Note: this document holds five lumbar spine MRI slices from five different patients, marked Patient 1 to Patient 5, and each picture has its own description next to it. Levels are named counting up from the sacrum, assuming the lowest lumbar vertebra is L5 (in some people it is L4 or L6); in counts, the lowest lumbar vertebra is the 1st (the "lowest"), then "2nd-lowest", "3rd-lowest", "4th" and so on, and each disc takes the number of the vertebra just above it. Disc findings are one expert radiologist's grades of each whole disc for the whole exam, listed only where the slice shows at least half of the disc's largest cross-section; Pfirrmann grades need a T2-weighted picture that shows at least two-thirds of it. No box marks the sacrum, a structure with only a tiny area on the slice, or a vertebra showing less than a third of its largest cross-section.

Patient 1 of 5:
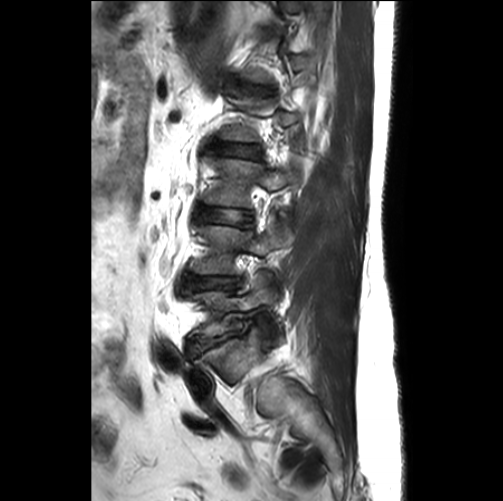
Sagittal T2-weighted lumbar spine MRI, Patient sex: M, Sagittal slice index 19, Image 503x501
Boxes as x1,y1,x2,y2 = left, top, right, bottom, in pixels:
L3 (3rd-lowest vertebra) = 204,157,297,207.
L5 (lowest vertebra) = 190,272,284,344.
L2/L3 (4th disc) = 211,142,261,157.
Intervertebral disc L3/L4 (3rd-lowest disc) = 200,207,252,224.
L4/L5 (2nd-lowest disc) = 184,275,242,294.
L4 (2nd-lowest vertebra) = 194,226,293,273.
L5/S1 (lowest disc) = 187,333,234,358.

Degenerative findings by level:
• L4/L5 (2nd-lowest disc): Modic type II, disc narrowing, upper-endplate change, lower-endplate change, disc bulging
• L3/L4 (3rd-lowest disc): Pfirrmann grade 2
• L2/L3 (4th disc): no herniation, bulging, narrowing, spondylolisthesis, endplate or Modic change recorded

Patient 2 of 5:
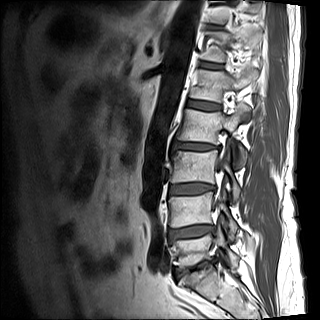
Sex M; Sagittal T1-weighted lumbar spine MRI

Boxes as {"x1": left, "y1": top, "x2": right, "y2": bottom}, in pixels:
Thecal sac / spinal canal at {"x1": 215, "y1": 153, "x2": 224, "y2": 211}.
L1/L2 at {"x1": 187, "y1": 101, "x2": 221, "y2": 110}.
L2/L3 at {"x1": 173, "y1": 142, "x2": 219, "y2": 150}.
L4/L5 at {"x1": 169, "y1": 225, "x2": 214, "y2": 239}.
L5 vertebra at {"x1": 172, "y1": 223, "x2": 238, "y2": 267}.
T12/L1 at {"x1": 200, "y1": 62, "x2": 222, "y2": 68}.
L1 vertebra at {"x1": 190, "y1": 67, "x2": 258, "y2": 102}.
L3 at {"x1": 171, "y1": 142, "x2": 240, "y2": 199}.
L2 at {"x1": 176, "y1": 104, "x2": 249, "y2": 169}.
L4 vertebra at {"x1": 169, "y1": 192, "x2": 237, "y2": 239}.
Disc L5/S1 at {"x1": 174, "y1": 260, "x2": 213, "y2": 278}.
T11/T12 at {"x1": 207, "y1": 25, "x2": 222, "y2": 29}.
Disc L3/L4 at {"x1": 169, "y1": 184, "x2": 215, "y2": 194}.
T12 vertebra at {"x1": 201, "y1": 28, "x2": 260, "y2": 62}.

Radiological gradings:
- L5/S1: disc bulging, Modic type II, upper-endplate change, disc narrowing, lower-endplate change
- L3/L4: lower-endplate change, disc bulging, upper-endplate change, Modic type II
- L4/L5: disc narrowing, upper-endplate change, disc bulging, Modic type II, lower-endplate change
- L2/L3: Modic type II, upper-endplate change, lower-endplate change, disc bulging, disc narrowing
- L1/L2: no Modic or endplate change, herniation, narrowing, bulging or spondylolisthesis recorded

Patient 3 of 5:
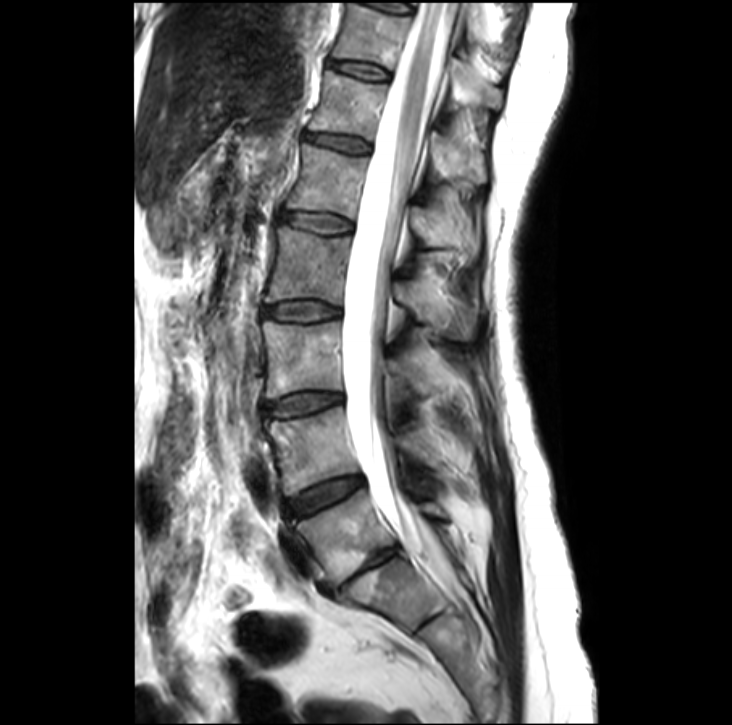 Patient sex: F. Sagittal slice index 16. Slice spacing 3.3 mm. Lumbar spine MR, T2-weighted, sagittal.

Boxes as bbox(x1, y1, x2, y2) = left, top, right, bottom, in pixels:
3rd-lowest vertebra at bbox(262, 322, 445, 398); 3rd-lowest disc at bbox(266, 393, 340, 416); lowest disc at bbox(335, 547, 396, 595); 4th vertebra at bbox(265, 227, 475, 340); 4th disc at bbox(262, 301, 337, 321); spinal canal at bbox(341, 0, 456, 574); 7th disc at bbox(329, 60, 387, 79); 2nd-lowest vertebra at bbox(266, 406, 441, 496); 5th vertebra at bbox(286, 143, 480, 256); 2nd-lowest disc at bbox(284, 477, 362, 515); 5th disc at bbox(279, 212, 351, 233); lowest vertebra at bbox(293, 490, 447, 585); 6th vertebra at bbox(309, 69, 486, 180); 6th disc at bbox(304, 133, 368, 153); 7th vertebra at bbox(334, 3, 503, 109).

Radiological gradings:
- 5th disc: Pfirrmann grade 2
- 4th disc: Pfirrmann grade 2
- 7th disc: Pfirrmann grade 2
- 6th disc: Pfirrmann grade 3
- 3rd-lowest disc: Pfirrmann grade 2, disc bulging
- lowest disc: Pfirrmann grade 5, lower-endplate change, disc bulging, upper-endplate change, Modic type II, disc narrowing
- 2nd-lowest disc: Pfirrmann grade 3, disc bulging

Patient 4 of 5:
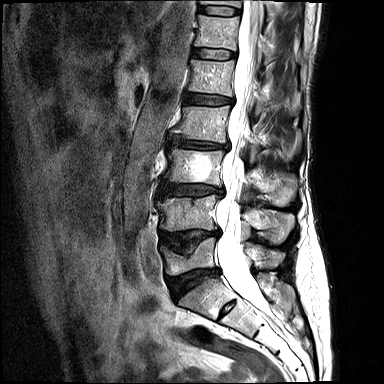
MRI lumbar spine (T2-weighted), sagittal plane. 384x384 px.
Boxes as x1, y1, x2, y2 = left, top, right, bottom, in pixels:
Structures:
• 3rd-lowest vertebra: 164, 148, 297, 206
• 7th disc: 198, 5, 241, 16
• 2nd-lowest vertebra: 156, 195, 293, 239
• spinal canal: 215, 0, 265, 311
• 4th vertebra: 172, 105, 298, 150
• 5th disc: 184, 92, 233, 104
• lowest vertebra: 160, 237, 284, 275
• 2nd-lowest disc: 160, 230, 219, 253
• 6th disc: 192, 48, 236, 59
• 3rd-lowest disc: 158, 183, 223, 196
• lowest disc: 166, 268, 219, 298
• 7th vertebra: 199, 0, 275, 15
• 5th vertebra: 188, 59, 300, 114
• 4th disc: 170, 137, 228, 149
• 6th vertebra: 194, 15, 273, 62

Radiological gradings:
- 2nd-lowest disc: Pfirrmann grade 4, lower-endplate change, upper-endplate change, disc bulging
- 7th disc: Pfirrmann grade 2
- 3rd-lowest disc: Pfirrmann grade 3, upper-endplate change, lower-endplate change, disc bulging
- 5th disc: Pfirrmann grade 3, disc bulging, lower-endplate change, upper-endplate change
- 4th disc: Pfirrmann grade 3, disc bulging, lower-endplate change, upper-endplate change, disc narrowing
- lowest disc: Pfirrmann grade 4, upper-endplate change, disc bulging, lower-endplate change, disc narrowing
- 6th disc: Pfirrmann grade 2, lower-endplate change, upper-endplate change

Patient 5 of 5:
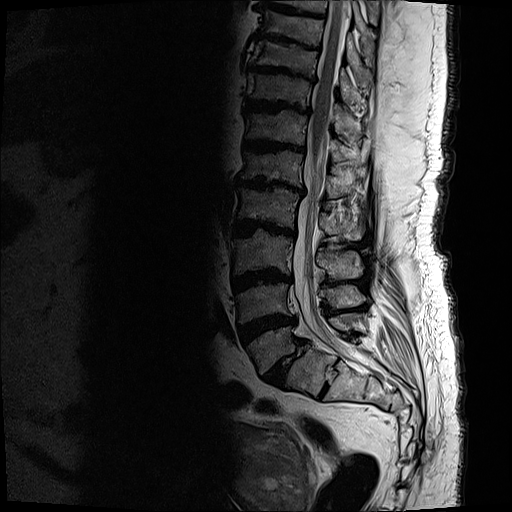 Sagittal T2-weighted lumbar spine MRI

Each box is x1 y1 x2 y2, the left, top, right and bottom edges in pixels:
7th disc = 245 98 312 114.
Lowest disc = 264 339 305 386.
8th vertebra = 251 38 359 101.
Thecal sac / spinal canal = 293 1 359 361.
3rd-lowest disc = 231 269 290 292.
6th disc = 244 138 306 153.
Lowest vertebra = 246 312 360 375.
5th vertebra = 240 150 342 199.
5th disc = 235 177 305 194.
2nd-lowest disc = 237 314 296 345.
8th disc = 249 64 318 84.
9th disc = 255 35 320 49.
4th vertebra = 237 188 365 241.
7th vertebra = 247 72 362 139.
2nd-lowest vertebra = 237 283 364 323.
4th disc = 235 219 295 237.
6th vertebra = 246 110 351 162.
3rd-lowest vertebra = 229 230 364 281.

Radiological gradings:
  3rd-lowest disc: Pfirrmann grade 5, disc bulging, disc narrowing, Modic type II, upper-endplate change, lower-endplate change
  lowest disc: Pfirrmann grade 5, upper-endplate change, spondylolisthesis, lower-endplate change, disc bulging, disc narrowing, Modic type II
  7th disc: Pfirrmann grade 5, disc bulging, disc narrowing, Modic type II, upper-endplate change, lower-endplate change
  5th disc: Pfirrmann grade 5, lower-endplate change, disc narrowing, disc bulging, Modic type II, upper-endplate change
  6th disc: Pfirrmann grade 5, disc narrowing, upper-endplate change, lower-endplate change, disc bulging, Modic type II
  4th disc: Pfirrmann grade 5, Modic type II, disc narrowing, disc bulging, lower-endplate change, upper-endplate change
  8th disc: Modic type II, lower-endplate change, disc narrowing, disc bulging, upper-endplate change
  2nd-lowest disc: Pfirrmann grade 5, disc narrowing, disc bulging, upper-endplate change, Modic type II, lower-endplate change
  9th disc: Modic type II, upper-endplate change, disc bulging, disc narrowing, lower-endplate change